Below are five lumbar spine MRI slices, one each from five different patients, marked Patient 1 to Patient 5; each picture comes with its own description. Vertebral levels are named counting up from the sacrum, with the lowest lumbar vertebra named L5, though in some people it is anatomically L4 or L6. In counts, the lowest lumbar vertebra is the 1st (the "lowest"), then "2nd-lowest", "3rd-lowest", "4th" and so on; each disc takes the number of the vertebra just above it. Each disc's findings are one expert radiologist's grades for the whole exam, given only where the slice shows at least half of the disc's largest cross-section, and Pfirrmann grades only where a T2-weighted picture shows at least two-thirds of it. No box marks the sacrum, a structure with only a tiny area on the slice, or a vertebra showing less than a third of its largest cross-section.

Patient 1 of 5:
Scanner: SIEMENS Aera (1.5T). T2-weighted sagittal MRI of the lumbar spine. Patient sex: F. Sagittal slice index 10.
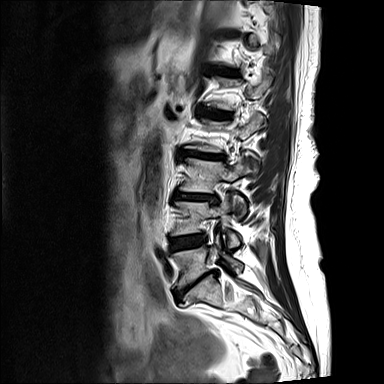

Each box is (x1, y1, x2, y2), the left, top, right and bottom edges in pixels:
L4 vertebra — (171, 195, 239, 247).
L2/L3 — (179, 150, 225, 159).
L1/L2 — (199, 107, 233, 119).
IVD T11/T12 — (225, 30, 238, 36).
L2 vertebra — (185, 113, 263, 173).
T12/L1 — (213, 66, 239, 77).
L5/S1 — (175, 273, 217, 300).
L1 — (207, 72, 272, 110).
IVD L3/L4 — (174, 192, 219, 203).
L4/L5 — (170, 234, 205, 250).
L5 vertebra — (174, 240, 242, 288).
L3 — (179, 155, 248, 214).

Expert MSK radiologist gradings (per disc):
  L1/L2: Pfirrmann grade 3, disc bulging, lower-endplate change, Modic type II, upper-endplate change
  L3/L4: Pfirrmann grade 4, upper-endplate change, disc bulging, disc narrowing, Modic type II, lower-endplate change
  L4/L5: Modic type II, upper-endplate change, lower-endplate change, disc bulging
  L2/L3: Pfirrmann grade 5, upper-endplate change, lower-endplate change, disc narrowing, disc bulging, Modic type III
  T12/L1: lower-endplate change, disc narrowing, Modic type III, upper-endplate change, disc bulging

Patient 2 of 5:
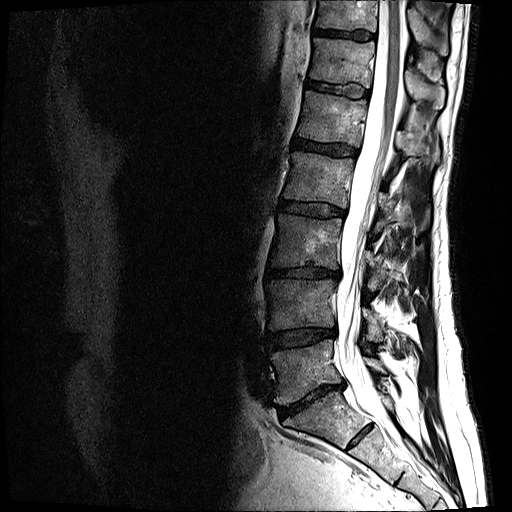 MRI lumbar spine (T2-weighted), sagittal plane

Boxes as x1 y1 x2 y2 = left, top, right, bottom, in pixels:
{"6th vertebra": "310 38 446 109", "4th vertebra": "284 150 424 230", "7th disc": "314 29 375 40", "lowest disc": "277 383 345 419", "7th vertebra": "316 0 448 55", "lowest vertebra": "270 339 387 405", "3rd-lowest disc": "267 266 340 278", "5th vertebra": "298 91 439 161", "4th disc": "279 200 344 217", "2nd-lowest disc": "267 328 336 349", "2nd-lowest vertebra": "266 278 383 341", "5th disc": "293 138 356 156", "spinal canal": "336 0 405 429", "6th disc": "307 80 368 97", "3rd-lowest vertebra": "270 214 388 289"}

Degenerative findings by level:
- 7th disc: Pfirrmann grade 4
- 4th disc: Pfirrmann grade 3, disc bulging
- lowest disc: Pfirrmann grade 5, disc bulging, disc narrowing, Modic type II
- 2nd-lowest disc: Pfirrmann grade 3, disc narrowing, disc bulging
- 3rd-lowest disc: Pfirrmann grade 4, disc narrowing, lower-endplate change, disc bulging
- 5th disc: Pfirrmann grade 4
- 6th disc: Pfirrmann grade 3

Patient 3 of 5:
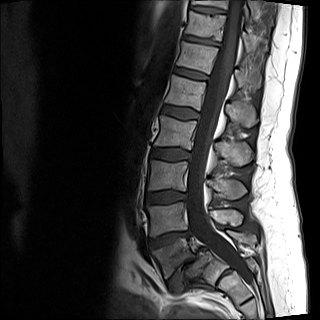 Sagittal T1-weighted lumbar spine MRI. Field of view 280x280 mm. Sagittal slice index 7.
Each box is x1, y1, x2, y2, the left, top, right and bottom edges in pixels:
T11 at 186, 11, 251, 52.
Spinal canal at 187, 0, 249, 281.
L5 at 152, 229, 256, 278.
IVD L5/S1 at 169, 246, 207, 294.
IVD T10/T11 at 192, 6, 225, 13.
L4/L5 at 149, 230, 191, 248.
IVD L2/L3 at 151, 148, 190, 161.
T11/T12 at 183, 35, 218, 45.
IVD L3/L4 at 145, 190, 186, 204.
T10 vertebra at 191, 0, 253, 13.
L1 at 165, 75, 257, 127.
L4 vertebra at 145, 202, 242, 237.
T12 vertebra at 177, 42, 260, 88.
IVD T12/L1 at 174, 67, 208, 79.
IVD L1/L2 at 162, 105, 200, 119.
L2 vertebra at 154, 115, 252, 165.
L3 vertebra at 147, 160, 246, 198.

Radiological gradings:
  L5/S1: Modic type II, spondylolisthesis, disc narrowing, disc bulging, lower-endplate change, upper-endplate change
  L2/L3: disc bulging
  T11/T12: lower-endplate change, disc narrowing
  L1/L2: disc bulging
  T10/T11: upper-endplate change
  L4/L5: Modic type II, disc herniation, disc narrowing, upper-endplate change, lower-endplate change
  L3/L4: disc bulging
  T12/L1: no spondylolisthesis, narrowing, bulging, herniation, Modic or endplate change recorded

Patient 4 of 5:
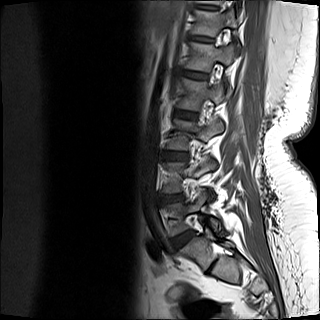

Sagittal T1-weighted lumbar spine MRI, Slice 4/15, Patient sex: F

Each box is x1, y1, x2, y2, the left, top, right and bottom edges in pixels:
L2 (4th vertebra) at 178, 78, 224, 110; L1 (5th vertebra) at 187, 43, 233, 71; L3 (3rd-lowest vertebra) at 167, 118, 223, 149; L4/L5 (2nd-lowest disc) at 161, 195, 182, 202; L5 (lowest vertebra) at 167, 193, 219, 235; IVD T12/L1 (6th disc) at 191, 36, 213, 42; L5/S1 (lowest disc) at 172, 232, 194, 249; IVD L3/L4 (3rd-lowest disc) at 163, 151, 186, 159; IVD L2/L3 (4th disc) at 175, 111, 196, 118; T11/T12 (7th disc) at 196, 5, 217, 10; T12 (6th vertebra) at 192, 9, 238, 36; IVD L1/L2 (5th disc) at 184, 71, 207, 79.

Radiological gradings:
  L3/L4 (3rd-lowest disc): lower-endplate change
  L1/L2 (5th disc), L2/L3 (4th disc), T11/T12 (7th disc), T12/L1 (6th disc): no spondylolisthesis, narrowing, bulging, herniation, Modic or endplate change recorded

Patient 5 of 5:
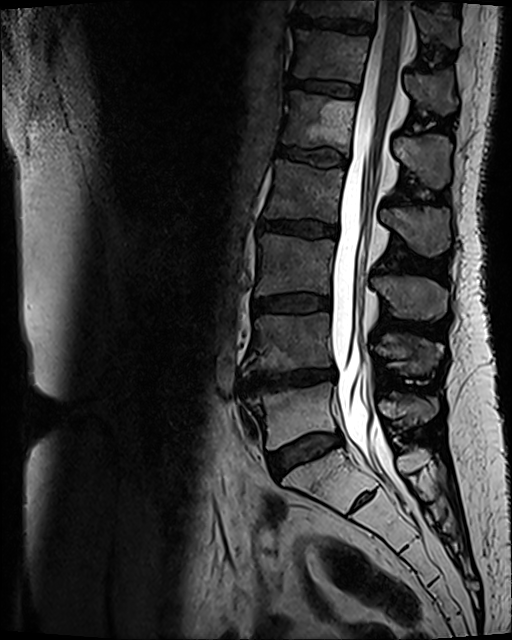
Slice spacing 0.9 mm, T2 SPACE (3D) sagittal MRI of the lumbar spine
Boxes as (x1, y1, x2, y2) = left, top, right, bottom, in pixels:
Intervertebral disc L1/L2 (5th disc): (276, 146, 346, 166).
L4 (2nd-lowest vertebra): (242, 313, 442, 376).
Spinal canal: (331, 0, 408, 504).
L2 (4th vertebra): (266, 160, 449, 255).
Intervertebral disc L5/S1 (lowest disc): (268, 433, 342, 478).
L2/L3 (4th disc): (258, 221, 337, 236).
T11 (7th vertebra): (298, 0, 457, 46).
L3 (3rd-lowest vertebra): (256, 235, 447, 320).
L4/L5 (2nd-lowest disc): (240, 369, 335, 393).
T12 (6th vertebra): (293, 31, 456, 113).
L1 (5th vertebra): (283, 91, 452, 188).
T12/L1 (6th disc): (289, 79, 359, 97).
L3/L4 (3rd-lowest disc): (254, 296, 330, 312).
Intervertebral disc T11/T12 (7th disc): (294, 16, 373, 33).
L5 (lowest vertebra): (241, 383, 437, 449).

Radiological gradings:
  T11/T12 (7th disc): Pfirrmann grade 4, lower-endplate change, Modic type II, upper-endplate change
  L3/L4 (3rd-lowest disc): Pfirrmann grade 3, disc bulging, Modic type II
  L2/L3 (4th disc): Pfirrmann grade 3, Modic type II, disc bulging
  L1/L2 (5th disc): Pfirrmann grade 3, Modic type II
  L5/S1 (lowest disc): Pfirrmann grade 3, Modic type II, disc bulging
  T12/L1 (6th disc): Pfirrmann grade 3, Modic type II
  L4/L5 (2nd-lowest disc): Pfirrmann grade 4, disc bulging, Modic type II, disc narrowing, lower-endplate change, upper-endplate change